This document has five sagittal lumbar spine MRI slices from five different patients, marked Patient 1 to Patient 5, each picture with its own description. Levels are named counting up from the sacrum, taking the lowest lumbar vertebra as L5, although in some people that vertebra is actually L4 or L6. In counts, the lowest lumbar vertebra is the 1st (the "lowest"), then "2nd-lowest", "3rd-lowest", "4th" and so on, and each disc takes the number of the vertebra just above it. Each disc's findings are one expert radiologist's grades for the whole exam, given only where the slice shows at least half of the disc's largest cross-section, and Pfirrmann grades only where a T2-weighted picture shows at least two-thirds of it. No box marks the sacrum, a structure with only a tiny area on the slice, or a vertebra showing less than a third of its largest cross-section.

Patient 1 of 5:
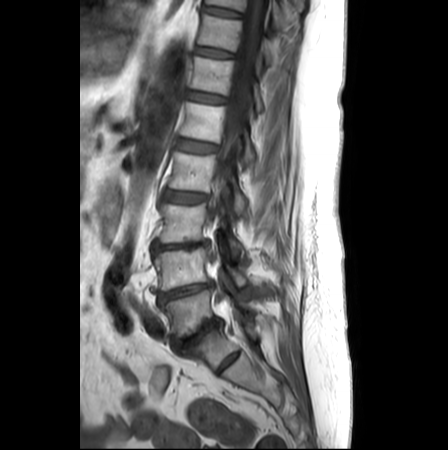
Lumbar spine MR, T1-weighted, sagittal

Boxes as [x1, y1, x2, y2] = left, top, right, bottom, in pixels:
thecal sac / spinal canal = [211, 0, 267, 313] | 7th disc = [195, 46, 233, 57] | 8th vertebra = [207, 0, 285, 26] | 4th vertebra = [169, 152, 247, 214] | 7th vertebra = [198, 13, 271, 62] | 5th disc = [177, 138, 217, 153] | lowest vertebra = [164, 289, 252, 336] | 2nd-lowest disc = [159, 283, 212, 303] | lowest disc = [173, 322, 221, 349] | 4th disc = [164, 190, 208, 202] | 6th disc = [189, 91, 225, 103] | 2nd-lowest vertebra = [154, 247, 247, 291] | 6th vertebra = [190, 56, 263, 110] | 3rd-lowest vertebra = [159, 203, 241, 256] | 8th disc = [204, 5, 240, 15] | 3rd-lowest disc = [153, 241, 207, 250] | 5th vertebra = [180, 102, 254, 164]

Per-level radiological findings:
- 3rd-lowest disc: upper-endplate change, disc bulging, lower-endplate change, disc narrowing
- 2nd-lowest disc: disc bulging, disc narrowing
- lowest disc: upper-endplate change, disc bulging, disc narrowing, Modic type II, lower-endplate change
- 4th disc: disc bulging
- 5th disc, 8th disc, 6th disc, 7th disc: no spondylolisthesis, narrowing, bulging, herniation, Modic or endplate change recorded

Patient 2 of 5:
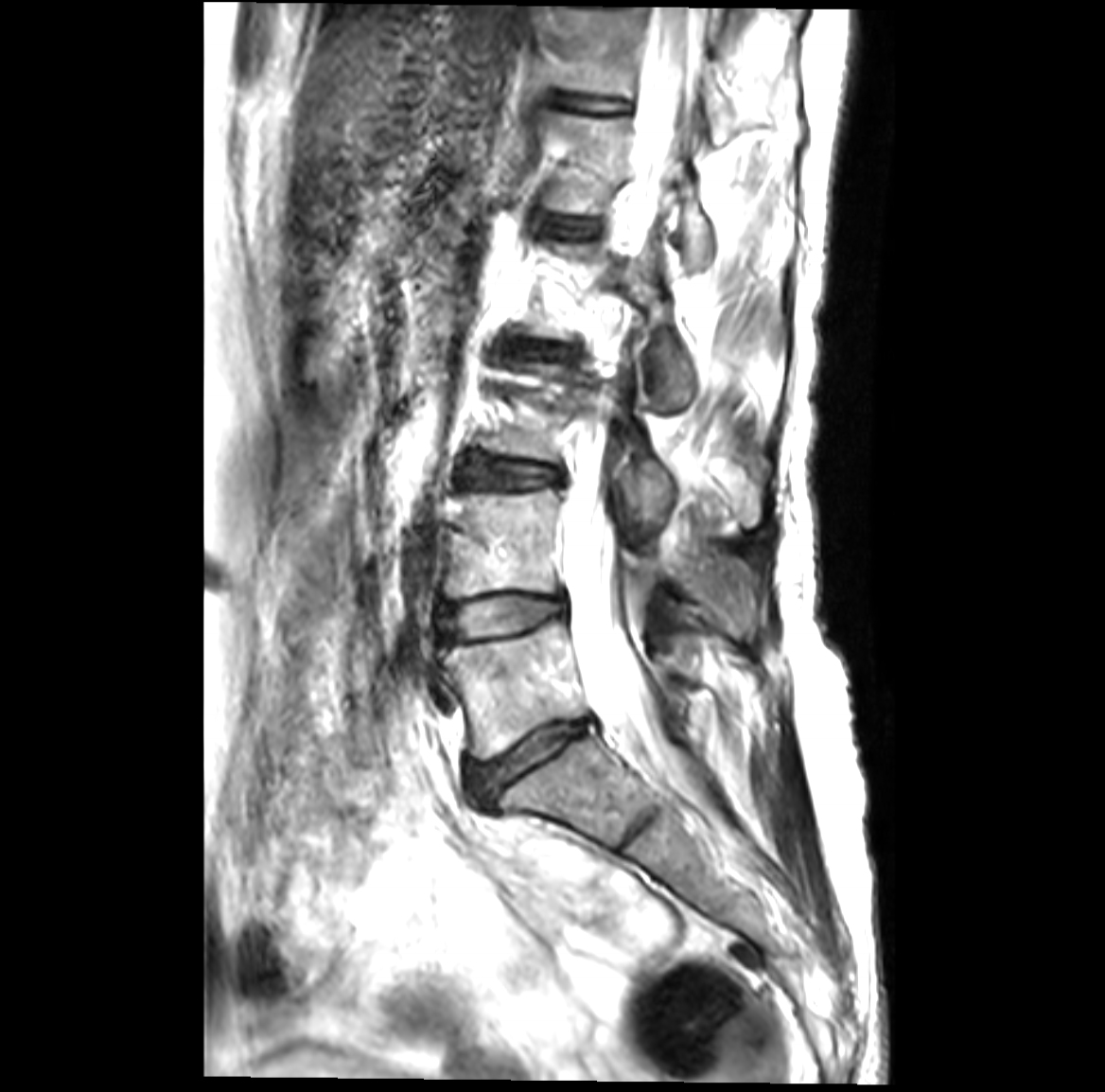 Slice 19/41. Patient sex: F. Lumbar spine MR, T2-weighted, sagittal. Slice spacing 3.4 mm.

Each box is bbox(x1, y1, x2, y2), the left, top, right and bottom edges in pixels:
Segmented structures:
• 2nd-lowest disc: bbox(447, 595, 565, 636)
• 5th disc: bbox(547, 217, 599, 237)
• lowest vertebra: bbox(444, 618, 695, 758)
• 4th disc: bbox(503, 343, 570, 356)
• 2nd-lowest vertebra: bbox(444, 487, 762, 631)
• thecal sac / spinal canal: bbox(563, 9, 702, 781)
• 6th disc: bbox(556, 93, 626, 117)
• 5th vertebra: bbox(550, 112, 792, 266)
• lowest disc: bbox(469, 719, 592, 798)
• 3rd-lowest vertebra: bbox(481, 366, 762, 532)
• 3rd-lowest disc: bbox(466, 460, 558, 486)
• 6th vertebra: bbox(554, 9, 737, 140)

Per-level radiological findings:
  lowest disc: Pfirrmann grade 4, disc bulging, Modic type II, disc narrowing
  2nd-lowest disc: Pfirrmann grade 3, Modic type II, disc bulging
  3rd-lowest disc: Modic type II, disc bulging
  6th disc: no Modic or endplate change, herniation, narrowing, bulging or spondylolisthesis recorded

Patient 3 of 5:
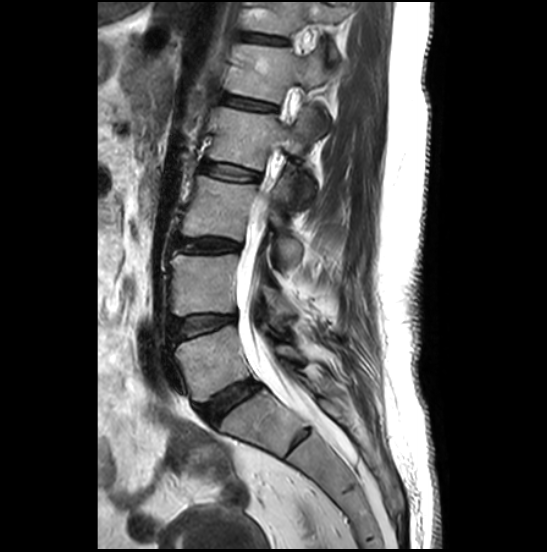 MRI lumbar spine (T2-weighted), sagittal plane | Slice 12/27
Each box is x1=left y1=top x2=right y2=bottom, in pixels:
Lowest disc — x1=199 y1=381 x2=259 y2=422.
2nd-lowest vertebra — x1=170 y1=254 x2=295 y2=323.
3rd-lowest vertebra — x1=182 y1=175 x2=301 y2=264.
4th disc — x1=202 y1=162 x2=258 y2=181.
5th vertebra — x1=230 y1=44 x2=330 y2=137.
2nd-lowest disc — x1=171 y1=315 x2=235 y2=340.
Thecal sac / spinal canal — x1=237 y1=199 x2=319 y2=422.
4th vertebra — x1=209 y1=107 x2=321 y2=206.
5th disc — x1=226 y1=96 x2=274 y2=109.
3rd-lowest disc — x1=176 y1=238 x2=238 y2=251.
6th vertebra — x1=253 y1=2 x2=350 y2=61.
Lowest vertebra — x1=175 y1=325 x2=303 y2=401.
6th disc — x1=250 y1=35 x2=282 y2=43.

Radiological gradings:
- 5th disc: upper-endplate change
- 2nd-lowest disc: Pfirrmann grade 3, disc bulging
- lowest disc: Pfirrmann grade 4, disc bulging
- 3rd-lowest disc: Pfirrmann grade 4, disc bulging
- 4th disc: Pfirrmann grade 2

Patient 4 of 5:
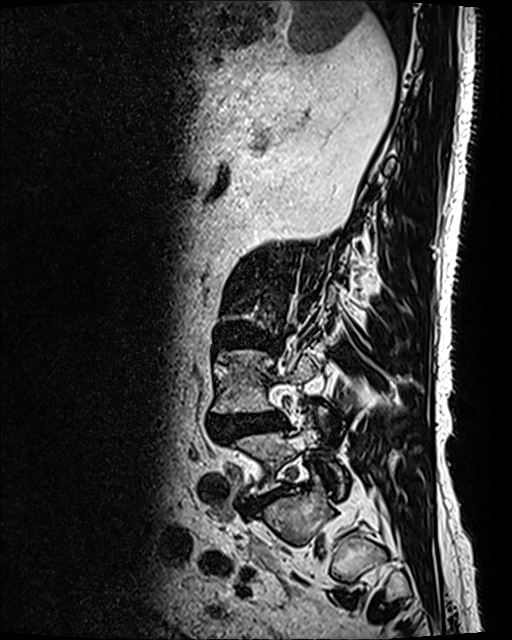

Lumbar spine MR, T2 SPACE (3D), sagittal. Sagittal slice index 30.

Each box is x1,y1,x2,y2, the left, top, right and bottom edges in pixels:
Segmented structures:
- L4 = 212,350,316,413
- L3/L4 = 221,334,269,348
- L5 vertebra = 237,420,347,495
- intervertebral disc L4/L5 = 211,412,284,439
- intervertebral disc L5/S1 = 250,488,285,512

Degenerative findings by level:
- L4/L5: Pfirrmann grade 4, Modic type II, lower-endplate change, disc narrowing, upper-endplate change, disc herniation, disc bulging, spondylolisthesis

Patient 5 of 5:
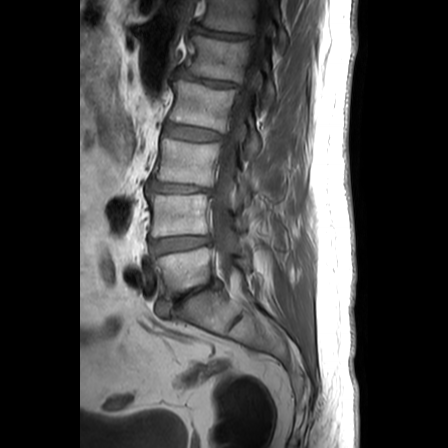 Sex M | Image 448x448 | MRI lumbar spine (T1-weighted), sagittal plane
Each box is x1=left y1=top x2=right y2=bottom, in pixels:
Structures:
- lowest vertebra: x1=153 y1=246 x2=250 y2=299
- lowest disc: x1=157 y1=280 x2=220 y2=317
- 5th disc: x1=177 y1=70 x2=239 y2=88
- 5th vertebra: x1=186 y1=34 x2=274 y2=107
- thecal sac / spinal canal: x1=209 y1=8 x2=269 y2=276
- 6th disc: x1=195 y1=26 x2=253 y2=38
- 2nd-lowest vertebra: x1=147 y1=193 x2=244 y2=236
- 3rd-lowest vertebra: x1=154 y1=138 x2=253 y2=202
- 3rd-lowest disc: x1=149 y1=181 x2=211 y2=193
- 6th vertebra: x1=201 y1=0 x2=287 y2=49
- 2nd-lowest disc: x1=150 y1=236 x2=209 y2=254
- 4th vertebra: x1=169 y1=79 x2=261 y2=158
- 4th disc: x1=164 y1=124 x2=222 y2=140

Per-level radiological findings:
  3rd-lowest disc: disc narrowing, disc herniation
  5th disc: disc narrowing, disc bulging
  lowest disc: disc narrowing, disc bulging
  6th disc: disc narrowing, disc bulging
  2nd-lowest disc: disc bulging
  4th disc: no spondylolisthesis, narrowing, bulging, herniation, Modic or endplate change recorded